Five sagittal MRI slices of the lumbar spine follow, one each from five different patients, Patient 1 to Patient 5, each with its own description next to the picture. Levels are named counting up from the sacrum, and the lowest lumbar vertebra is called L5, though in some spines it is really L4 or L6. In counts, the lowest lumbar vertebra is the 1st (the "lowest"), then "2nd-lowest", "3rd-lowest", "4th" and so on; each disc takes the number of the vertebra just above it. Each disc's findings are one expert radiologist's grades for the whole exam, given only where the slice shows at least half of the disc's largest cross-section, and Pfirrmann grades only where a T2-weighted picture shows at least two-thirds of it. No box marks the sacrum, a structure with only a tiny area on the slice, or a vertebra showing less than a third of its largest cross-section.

Patient 1 of 5:
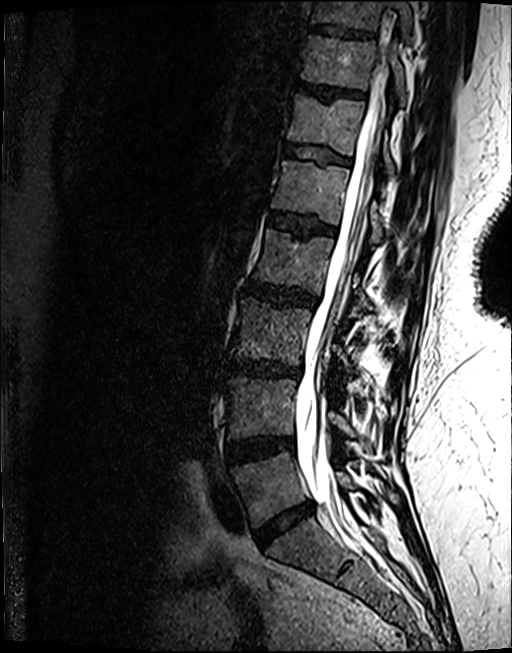 Lumbar spine MR, T2 SPACE (3D), sagittal. 512x653 px.
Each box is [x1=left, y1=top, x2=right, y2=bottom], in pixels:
Annotations:
- disc T12/L1 at [x1=283, y1=144, x2=349, y2=163]
- L2 at [x1=252, y1=228, x2=371, y2=306]
- L3 at [x1=232, y1=296, x2=357, y2=365]
- L4 at [x1=226, y1=377, x2=372, y2=450]
- L1/L2 at [x1=268, y1=211, x2=335, y2=236]
- disc L2/L3 at [x1=245, y1=281, x2=317, y2=307]
- T10 vertebra at [x1=312, y1=0, x2=412, y2=37]
- L1 vertebra at [x1=271, y1=159, x2=386, y2=241]
- L3/L4 at [x1=228, y1=359, x2=300, y2=377]
- disc T11/T12 at [x1=295, y1=81, x2=364, y2=98]
- T11 at [x1=301, y1=34, x2=407, y2=105]
- L5/S1 at [x1=255, y1=501, x2=313, y2=547]
- thecal sac / spinal canal at [x1=296, y1=7, x2=395, y2=539]
- L5 vertebra at [x1=230, y1=452, x2=356, y2=527]
- disc T10/T11 at [x1=311, y1=24, x2=373, y2=37]
- T12 at [x1=287, y1=93, x2=398, y2=176]
- L4/L5 at [x1=226, y1=435, x2=293, y2=462]

Per-level radiological findings:
• L3/L4: Pfirrmann grade 4, Modic type II, disc bulging, lower-endplate change, disc narrowing, upper-endplate change
• L4/L5: Pfirrmann grade 4, disc bulging, lower-endplate change, Modic type II
• L5/S1: Pfirrmann grade 4, disc bulging, disc narrowing
• T11/T12: Pfirrmann grade 4, upper-endplate change
• T10/T11: Pfirrmann grade 4, upper-endplate change, lower-endplate change
• L1/L2: Pfirrmann grade 4, Modic type II, upper-endplate change, lower-endplate change
• T12/L1: Pfirrmann grade 3, lower-endplate change, upper-endplate change
• L2/L3: Pfirrmann grade 4, lower-endplate change, upper-endplate change, disc bulging

Patient 2 of 5:
Slice 17 of 24, T1-weighted sagittal MRI of the lumbar spine, Sex F
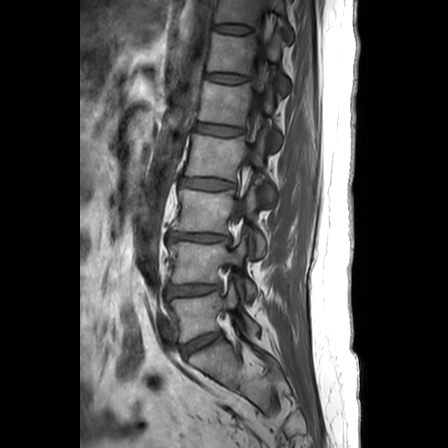 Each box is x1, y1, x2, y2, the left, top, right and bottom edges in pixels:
T12/L1 at 205, 72, 248, 83; L4 at 170, 235, 258, 296; L2 vertebra at 187, 133, 276, 201; T11 at 215, 0, 293, 37; L1 vertebra at 199, 81, 282, 149; L1/L2 at 196, 122, 244, 135; spinal canal at 254, 30, 268, 113; intervertebral disc L5/S1 at 184, 332, 221, 355; L5 vertebra at 170, 284, 260, 341; intervertebral disc T11/T12 at 213, 23, 251, 33; intervertebral disc L3/L4 at 170, 232, 231, 241; T12 vertebra at 208, 31, 289, 92; L2/L3 at 183, 178, 235, 189; L3 vertebra at 173, 186, 267, 255; L4/L5 at 169, 284, 222, 295.

Radiological gradings:
• L3/L4: lower-endplate change, Modic type II, disc herniation, upper-endplate change, disc narrowing
• L4/L5: disc bulging
• L5/S1, L2/L3, T11/T12, T12/L1, L1/L2: no herniation, bulging, narrowing, spondylolisthesis, endplate or Modic change recorded

Patient 3 of 5:
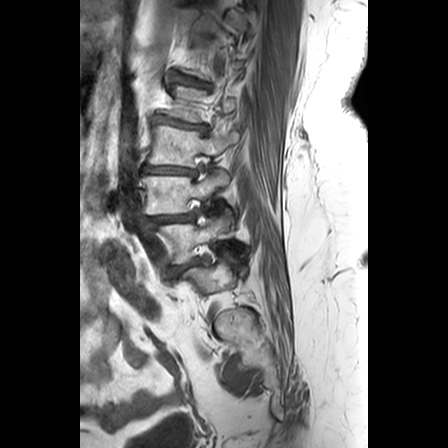 Sex F; Sagittal T1-weighted lumbar spine MRI; Sagittal slice index 6

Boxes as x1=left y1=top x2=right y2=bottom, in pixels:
3rd-lowest vertebra at x1=149 y1=123 x2=239 y2=165, 5th disc at x1=170 y1=70 x2=211 y2=86, lowest vertebra at x1=159 y1=211 x2=230 y2=261, 2nd-lowest disc at x1=149 y1=211 x2=194 y2=223, 4th vertebra at x1=163 y1=83 x2=235 y2=120, 4th disc at x1=153 y1=113 x2=206 y2=129, 2nd-lowest vertebra at x1=143 y1=168 x2=230 y2=213, 3rd-lowest disc at x1=144 y1=163 x2=196 y2=172, lowest disc at x1=170 y1=255 x2=199 y2=271.

Degenerative findings by level:
  2nd-lowest disc: spondylolisthesis, disc narrowing, disc bulging
  3rd-lowest disc: Modic type II, disc narrowing, upper-endplate change, disc bulging, lower-endplate change
  5th disc: disc bulging, disc narrowing, upper-endplate change, lower-endplate change, Modic type II
  4th disc: disc bulging, upper-endplate change, lower-endplate change, Modic type II, disc narrowing

Patient 4 of 5:
Slice 23/31 | Sagittal T2-weighted lumbar spine MRI 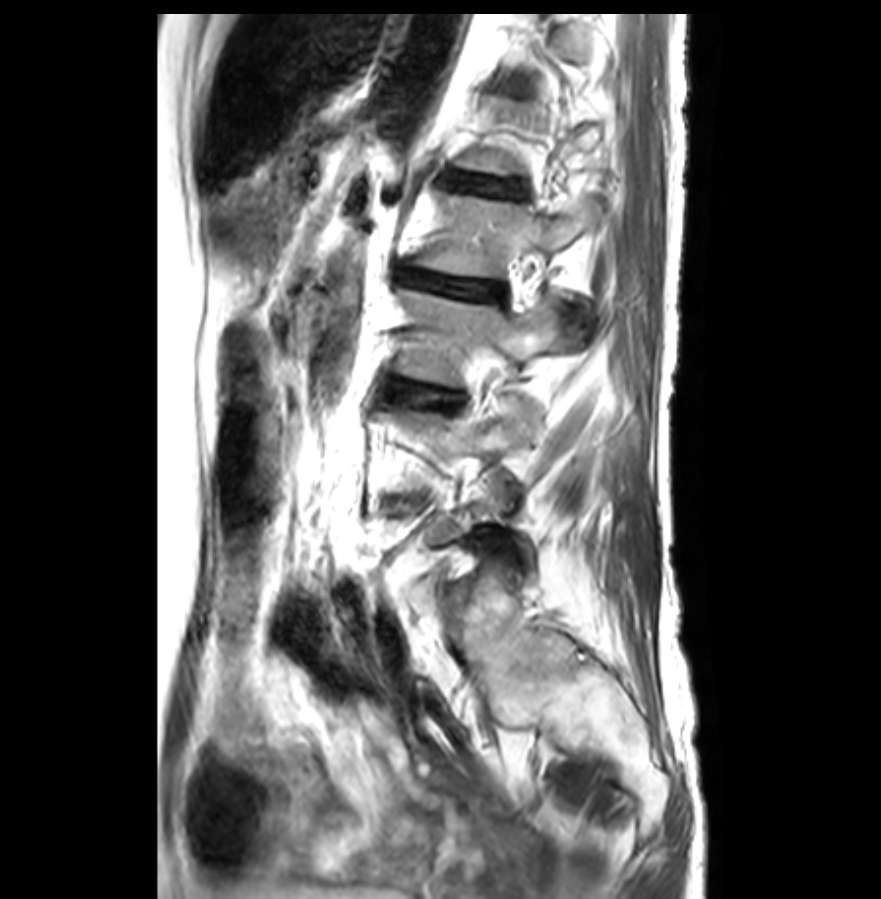

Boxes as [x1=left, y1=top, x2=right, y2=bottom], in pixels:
L3 (3rd-lowest vertebra) at [x1=397, y1=289, x2=564, y2=384], L1/L2 (5th disc) at [x1=456, y1=175, x2=520, y2=195], L3/L4 (3rd-lowest disc) at [x1=389, y1=381, x2=459, y2=408], L2/L3 (4th disc) at [x1=399, y1=270, x2=503, y2=299], L2 (4th vertebra) at [x1=415, y1=194, x2=603, y2=277].

Radiological gradings:
• L3/L4 (3rd-lowest disc): disc bulging, Modic type II
• L2/L3 (4th disc): Pfirrmann grade 5, Modic type II, disc narrowing, lower-endplate change, upper-endplate change, disc bulging, disc herniation
• L1/L2 (5th disc): lower-endplate change, Modic type II, upper-endplate change

Patient 5 of 5:
Lumbar spine MR, T2 SPACE (3D), sagittal 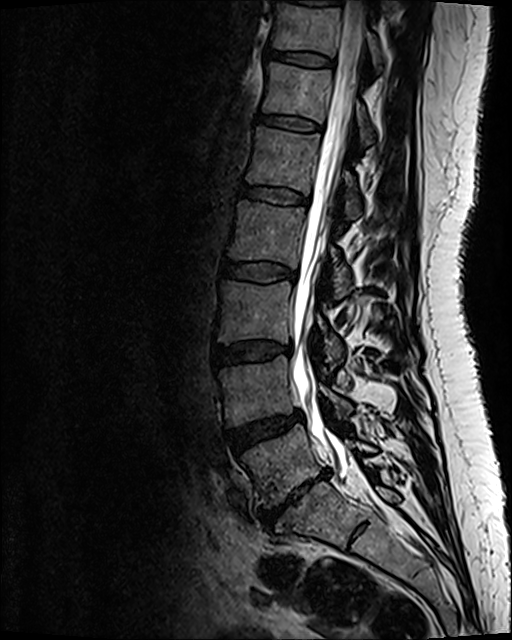
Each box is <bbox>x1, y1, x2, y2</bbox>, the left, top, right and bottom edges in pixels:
* 6th disc — <bbox>259, 115, 321, 131</bbox>
* 7th disc — <bbox>268, 51, 332, 65</bbox>
* 4th disc — <bbox>223, 261, 296, 281</bbox>
* 2nd-lowest disc — <bbox>228, 411, 301, 450</bbox>
* 5th vertebra — <bbox>246, 128, 361, 218</bbox>
* 4th vertebra — <bbox>229, 202, 349, 298</bbox>
* 3rd-lowest disc — <bbox>214, 341, 291, 365</bbox>
* 5th disc — <bbox>241, 185, 308, 204</bbox>
* thecal sac / spinal canal — <bbox>290, 1, 364, 472</bbox>
* 2nd-lowest vertebra — <bbox>220, 355, 350, 424</bbox>
* 7th vertebra — <bbox>272, 4, 381, 70</bbox>
* 3rd-lowest vertebra — <bbox>219, 281, 342, 366</bbox>
* lowest disc — <bbox>259, 470, 329, 526</bbox>
* lowest vertebra — <bbox>242, 425, 374, 506</bbox>
* 6th vertebra — <bbox>263, 63, 374, 143</bbox>

Per-level radiological findings:
- 4th disc: Pfirrmann grade 2
- 5th disc: Pfirrmann grade 2
- lowest disc: Pfirrmann grade 5, disc bulging, disc herniation, lower-endplate change, Modic type III, upper-endplate change, disc narrowing
- 6th disc: Pfirrmann grade 2
- 3rd-lowest disc: Pfirrmann grade 2, disc bulging
- 7th disc: Pfirrmann grade 2
- 2nd-lowest disc: Pfirrmann grade 3, disc bulging